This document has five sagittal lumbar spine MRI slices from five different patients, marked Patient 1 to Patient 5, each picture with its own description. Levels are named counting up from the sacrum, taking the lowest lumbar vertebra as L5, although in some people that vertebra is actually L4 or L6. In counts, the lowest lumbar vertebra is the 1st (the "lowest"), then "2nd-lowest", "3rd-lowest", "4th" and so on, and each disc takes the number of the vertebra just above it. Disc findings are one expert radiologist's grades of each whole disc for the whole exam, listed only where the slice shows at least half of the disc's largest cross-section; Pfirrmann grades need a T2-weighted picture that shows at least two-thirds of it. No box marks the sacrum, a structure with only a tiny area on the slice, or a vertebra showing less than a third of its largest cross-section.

Patient 1 of 5:
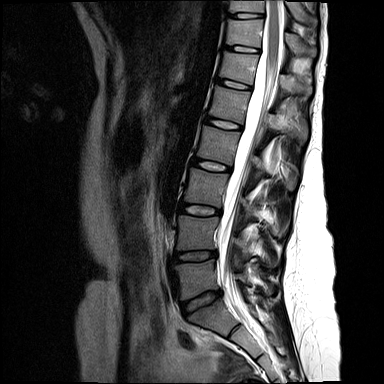 Slice 9 of 15, Sagittal T2-weighted lumbar spine MRI, Image 384x384

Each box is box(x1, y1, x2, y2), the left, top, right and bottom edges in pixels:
Segmented structures:
* 4th vertebra — box(197, 125, 298, 189)
* 8th disc — box(230, 13, 262, 17)
* lowest disc — box(183, 292, 220, 316)
* 2nd-lowest disc — box(175, 251, 216, 261)
* 4th disc — box(192, 158, 229, 171)
* 5th disc — box(205, 118, 241, 129)
* 2nd-lowest vertebra — box(178, 215, 251, 255)
* 3rd-lowest vertebra — box(184, 168, 254, 216)
* 5th vertebra — box(210, 85, 307, 142)
* 3rd-lowest disc — box(181, 203, 220, 215)
* lowest vertebra — box(176, 260, 250, 300)
* 7th vertebra — box(225, 19, 316, 57)
* 6th disc — box(217, 79, 251, 89)
* 6th vertebra — box(220, 52, 311, 94)
* 8th vertebra — box(229, 1, 312, 22)
* 7th disc — box(224, 45, 258, 52)
* spinal canal — box(219, 1, 282, 312)

Per-level radiological findings:
- 3rd-lowest disc: Pfirrmann grade 1
- 8th disc: Pfirrmann grade 1
- 7th disc: Pfirrmann grade 1
- lowest disc: Pfirrmann grade 2
- 5th disc: Pfirrmann grade 1
- 6th disc: Pfirrmann grade 1
- 4th disc: Pfirrmann grade 1
- 2nd-lowest disc: Pfirrmann grade 2

Patient 2 of 5:
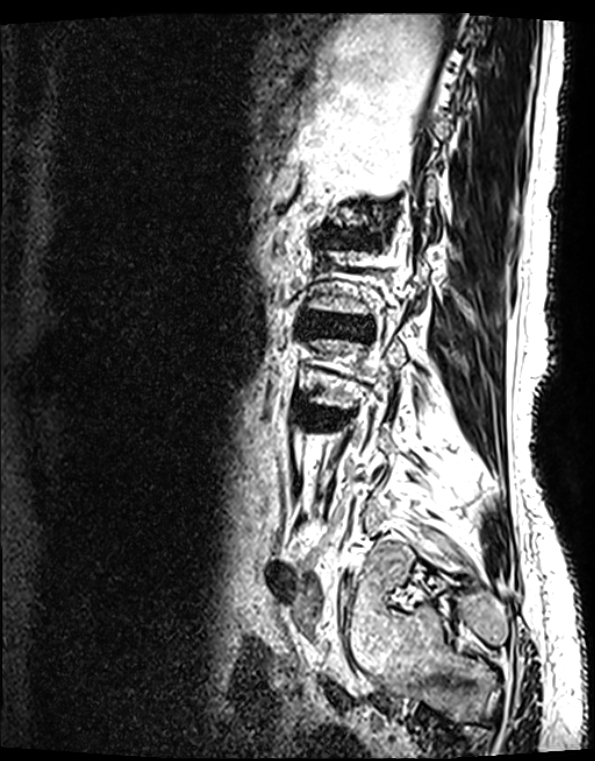 Sagittal slice index 104. Patient sex: F. MRI lumbar spine (T2 SPACE (3D)), sagittal plane. Field of view 240x307 mm, slice spacing 0.9 mm. 595x761 px.

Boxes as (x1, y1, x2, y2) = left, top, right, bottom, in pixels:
Disc L2/L3 at (302, 318, 363, 333), disc L3/L4 at (302, 409, 345, 426).

Patient 3 of 5:
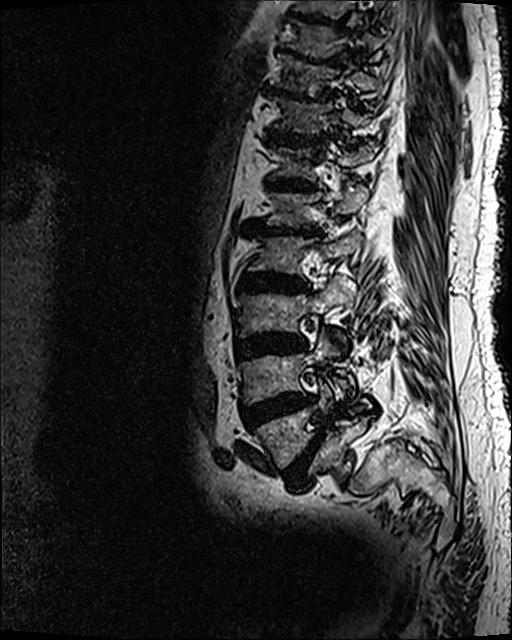 Patient sex: M, Sagittal T2 SPACE (3D) lumbar spine MRI, Slice 44 of 120, Field of view 240x300 mm, slice spacing 0.9 mm

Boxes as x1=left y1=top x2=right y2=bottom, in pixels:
Annotations:
• T12/L1 = x1=263 y1=178 x2=315 y2=191
• disc L2/L3 = x1=238 y1=271 x2=310 y2=292
• L3 = x1=239 y1=275 x2=356 y2=343
• disc T9/T10 = x1=276 y1=47 x2=332 y2=66
• disc L5/S1 = x1=283 y1=429 x2=324 y2=486
• L1 vertebra = x1=266 y1=183 x2=369 y2=229
• L1/L2 = x1=243 y1=217 x2=322 y2=236
• T12 vertebra = x1=269 y1=140 x2=374 y2=180
• L2 vertebra = x1=247 y1=229 x2=360 y2=276
• T11 vertebra = x1=269 y1=97 x2=372 y2=133
• T11/T12 = x1=266 y1=128 x2=324 y2=146
• L4/L5 = x1=242 y1=392 x2=317 y2=430
• L5 = x1=253 y1=375 x2=365 y2=468
• T10 vertebra = x1=279 y1=55 x2=380 y2=95
• L4 = x1=238 y1=330 x2=354 y2=404
• disc L3/L4 = x1=237 y1=333 x2=305 y2=360
• T10/T11 = x1=262 y1=86 x2=331 y2=101

Degenerative findings by level:
  L5/S1: Pfirrmann grade 5, disc narrowing, Modic type II, disc bulging, spondylolisthesis, lower-endplate change, upper-endplate change
  L1/L2: Pfirrmann grade 5, disc narrowing, disc bulging, upper-endplate change, Modic type II, lower-endplate change
  T12/L1: disc narrowing, Modic type II, upper-endplate change, disc bulging, lower-endplate change
  T11/T12: disc narrowing, upper-endplate change, Modic type II, lower-endplate change, disc bulging
  T10/T11: lower-endplate change, disc narrowing, Modic type II, upper-endplate change, disc bulging
  L3/L4: Pfirrmann grade 5, Modic type II, lower-endplate change, disc bulging, disc narrowing, upper-endplate change
  L2/L3: Pfirrmann grade 5, disc bulging, Modic type II, upper-endplate change, disc narrowing, lower-endplate change
  L4/L5: Pfirrmann grade 5, disc bulging, Modic type II, upper-endplate change, lower-endplate change, disc narrowing

Patient 4 of 5:
Patient sex: M; T1-weighted sagittal MRI of the lumbar spine; Slice 11/24
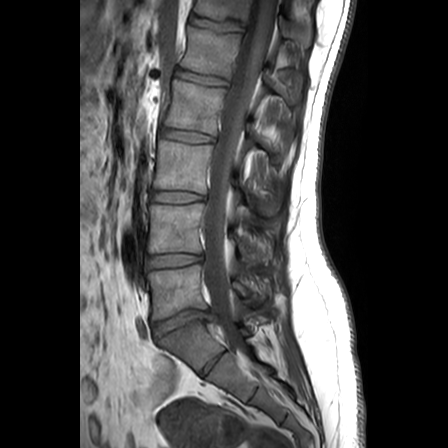
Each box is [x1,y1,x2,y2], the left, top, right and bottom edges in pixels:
4th vertebra = [164,77,283,146].
4th disc = [160,128,213,142].
2nd-lowest disc = [146,254,202,267].
3rd-lowest disc = [151,191,205,202].
Lowest vertebra = [148,264,268,320].
2nd-lowest vertebra = [148,203,268,261].
3rd-lowest vertebra = [153,139,271,213].
5th vertebra = [181,27,301,99].
Lowest disc = [154,310,210,337].
Spinal canal = [203,0,276,351].
5th disc = [175,69,227,85].
6th vertebra = [194,0,311,47].
6th disc = [190,15,235,30].

Degenerative findings by level:
- lowest disc: lower-endplate change, Modic type II, disc herniation, upper-endplate change
- 5th disc, 6th disc, 4th disc, 2nd-lowest disc, 3rd-lowest disc: no Modic or endplate change, herniation, narrowing, bulging or spondylolisthesis recorded

Patient 5 of 5:
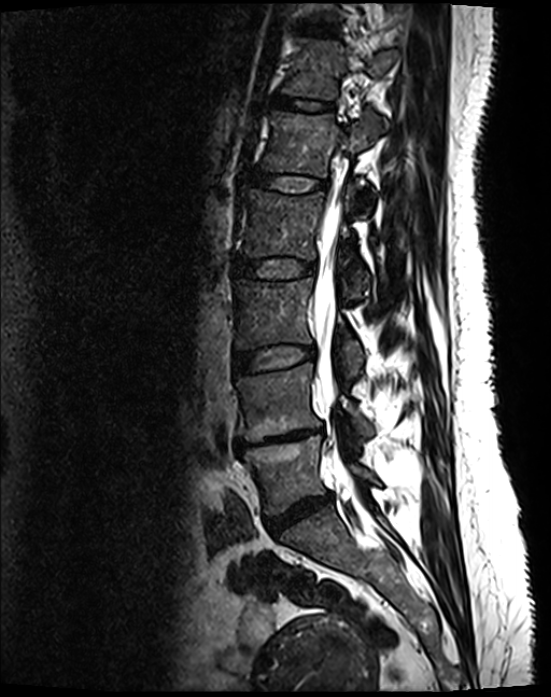 Slice 57 of 130 | Sex F | T2 SPACE (3D) sagittal MRI of the lumbar spine
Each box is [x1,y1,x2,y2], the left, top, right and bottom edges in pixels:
Thecal sac / spinal canal = [313,204,340,400].
L2 = [242,185,369,297].
IVD T12/L1 = [277,98,331,111].
IVD L4/L5 = [236,428,322,450].
IVD T11/T12 = [311,27,323,32].
IVD L2/L3 = [235,258,315,278].
L3 vertebra = [235,278,363,378].
L5 vertebra = [243,435,374,516].
IVD L1/L2 = [252,173,325,190].
L3/L4 = [234,346,313,374].
L5/S1 = [267,494,332,532].
L4 vertebra = [237,364,373,442].
T12 = [285,42,385,99].
L1 vertebra = [262,111,387,177].

Radiological gradings:
  L5/S1: Pfirrmann grade 4, disc narrowing, disc bulging
  T12/L1: Pfirrmann grade 2
  L1/L2: Pfirrmann grade 2
  L2/L3: Pfirrmann grade 2
  L4/L5: Pfirrmann grade 5, lower-endplate change, disc narrowing, disc bulging, Modic type II, upper-endplate change
  L3/L4: Pfirrmann grade 2